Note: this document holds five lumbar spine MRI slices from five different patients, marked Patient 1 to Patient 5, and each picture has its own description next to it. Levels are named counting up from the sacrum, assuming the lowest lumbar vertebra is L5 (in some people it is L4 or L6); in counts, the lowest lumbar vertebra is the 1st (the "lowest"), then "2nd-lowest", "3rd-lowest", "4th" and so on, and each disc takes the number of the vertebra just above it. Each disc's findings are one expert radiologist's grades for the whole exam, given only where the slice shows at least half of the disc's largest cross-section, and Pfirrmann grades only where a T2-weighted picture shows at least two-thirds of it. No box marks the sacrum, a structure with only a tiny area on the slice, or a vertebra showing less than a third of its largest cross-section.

Patient 1 of 5:
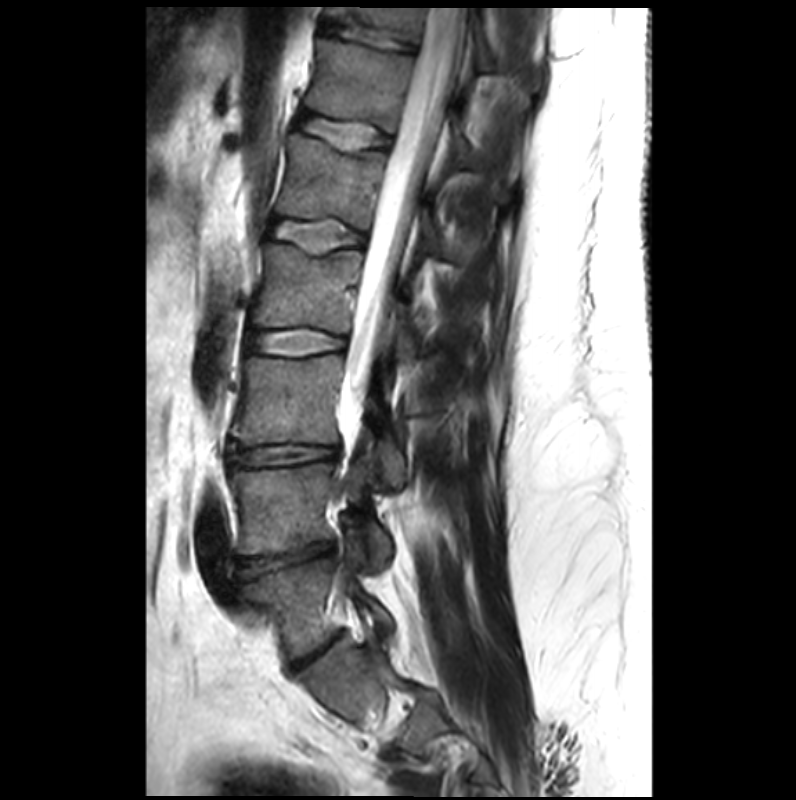

Image 796x800 | Field of view 283x285 mm, slice spacing 3.4 mm | Sagittal T2-weighted lumbar spine MRI
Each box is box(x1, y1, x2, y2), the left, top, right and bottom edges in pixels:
L1 (5th vertebra): box(277, 134, 456, 262) | L2 (4th vertebra): box(250, 242, 431, 352) | thecal sac / spinal canal: box(347, 8, 464, 393) | L3 (3rd-lowest vertebra): box(232, 355, 406, 488) | IVD L5/S1 (lowest disc): box(288, 630, 344, 671) | L4 (2nd-lowest vertebra): box(231, 461, 391, 568) | L3/L4 (3rd-lowest disc): box(231, 445, 337, 464) | T12 (6th vertebra): box(304, 38, 489, 171) | IVD T12/L1 (6th disc): box(295, 113, 389, 151) | L5 (lowest vertebra): box(241, 532, 395, 658) | L1/L2 (5th disc): box(270, 219, 364, 254) | L4/L5 (2nd-lowest disc): box(242, 542, 334, 577) | L2/L3 (4th disc): box(248, 328, 345, 356) | T11/T12 (7th disc): box(322, 21, 414, 51) | T11 (7th vertebra): box(329, 6, 493, 72)

Per-level radiological findings:
- L1/L2 (5th disc): Pfirrmann grade 2, lower-endplate change, upper-endplate change
- T11/T12 (7th disc): Pfirrmann grade 2, lower-endplate change
- T12/L1 (6th disc): Pfirrmann grade 2, upper-endplate change, lower-endplate change
- L4/L5 (2nd-lowest disc): Modic type III, lower-endplate change, spondylolisthesis, upper-endplate change, disc herniation, disc narrowing
- L3/L4 (3rd-lowest disc): Pfirrmann grade 2
- L2/L3 (4th disc): Pfirrmann grade 2

Patient 2 of 5:
512x640 px | Patient sex: M | Sagittal T2 SPACE (3D) lumbar spine MRI | Sagittal slice index 53 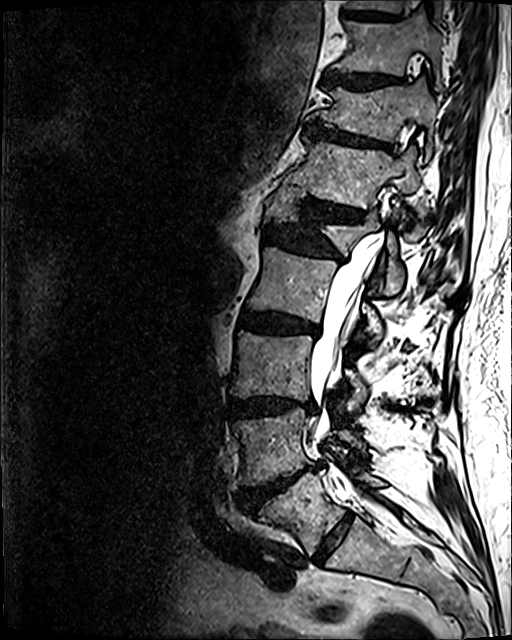

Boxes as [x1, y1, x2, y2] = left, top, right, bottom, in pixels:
IVD L2/L3 (4th disc) at [239, 311, 318, 334].
T12 (6th vertebra) at [287, 138, 427, 240].
L4 (2nd-lowest vertebra) at [233, 408, 365, 485].
T12/L1 (6th disc) at [297, 197, 367, 222].
L3/L4 (3rd-lowest disc) at [230, 397, 314, 418].
IVD L1/L2 (5th disc) at [264, 224, 343, 260].
L3 (3rd-lowest vertebra) at [230, 331, 370, 409].
T10 (8th vertebra) at [332, 14, 442, 88].
T11 (7th vertebra) at [306, 81, 436, 156].
L2 (4th vertebra) at [247, 247, 385, 339].
T10/T11 (8th disc) at [323, 72, 400, 88].
Spinal canal at [309, 229, 385, 502].
L5 (lowest vertebra) at [263, 473, 384, 555].
L1 (5th vertebra) at [264, 185, 405, 294].
IVD L4/L5 (2nd-lowest disc) at [241, 463, 322, 512].
IVD T11/T12 (7th disc) at [305, 123, 387, 148].
IVD T9/T10 (9th disc) at [342, 10, 395, 19].
L5/S1 (lowest disc) at [312, 512, 353, 563].

Radiological gradings:
  L3/L4 (3rd-lowest disc): Pfirrmann grade 4, lower-endplate change, upper-endplate change, disc bulging, disc narrowing
  T12/L1 (6th disc): Pfirrmann grade 4, disc bulging, disc narrowing, lower-endplate change, upper-endplate change
  T10/T11 (8th disc): Pfirrmann grade 4, disc bulging, lower-endplate change, upper-endplate change
  T11/T12 (7th disc): Pfirrmann grade 4, lower-endplate change, disc narrowing, upper-endplate change, disc bulging
  L2/L3 (4th disc): Pfirrmann grade 4, upper-endplate change, lower-endplate change, disc bulging, disc narrowing, Modic type II
  L1/L2 (5th disc): Pfirrmann grade 4, lower-endplate change, disc bulging, upper-endplate change, disc narrowing
  L5/S1 (lowest disc): Pfirrmann grade 2
  T9/T10 (9th disc): lower-endplate change
  L4/L5 (2nd-lowest disc): Pfirrmann grade 5, disc herniation, disc bulging, upper-endplate change, lower-endplate change, disc narrowing, Modic type II

Patient 3 of 5:
Sagittal slice index 37 | Image 512x640 | Sagittal T2 SPACE (3D) lumbar spine MRI | Field of view 240x300 mm

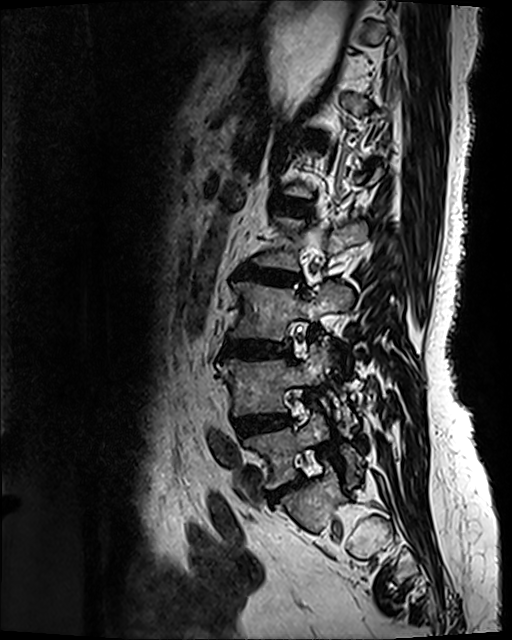 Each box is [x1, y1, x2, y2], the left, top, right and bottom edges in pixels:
• 4th disc = [239, 266, 300, 284]
• 4th vertebra = [255, 217, 366, 271]
• 5th disc = [273, 196, 310, 214]
• 2nd-lowest vertebra = [217, 337, 343, 430]
• 2nd-lowest disc = [236, 416, 289, 437]
• 3rd-lowest vertebra = [231, 281, 352, 338]
• 3rd-lowest disc = [224, 341, 290, 357]
• lowest vertebra = [244, 413, 358, 488]
• lowest disc = [269, 477, 303, 500]

Degenerative findings by level:
- 3rd-lowest disc: Pfirrmann grade 4, disc narrowing, Modic type II, disc bulging, upper-endplate change, lower-endplate change
- 4th disc: Pfirrmann grade 4, lower-endplate change, Modic type II, disc bulging, disc narrowing, upper-endplate change
- 2nd-lowest disc: disc bulging

Patient 4 of 5:
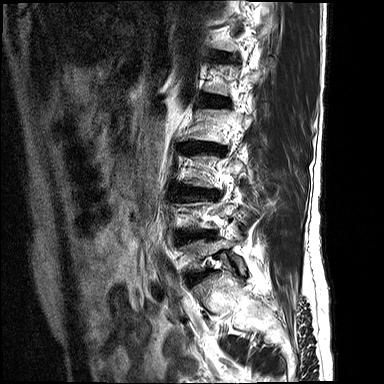 Lumbar spine MR, T2-weighted, sagittal; Slice 3/17; Sex M
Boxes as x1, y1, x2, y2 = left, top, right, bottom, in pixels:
Disc L2/L3 at 179, 142, 222, 151.
T12/L1 at 216, 52, 226, 58.
L4/L5 at 180, 233, 211, 240.
L1/L2 at 204, 95, 228, 106.
Disc L3/L4 at 182, 187, 212, 194.
L5 at 181, 230, 242, 265.

Per-level radiological findings:
- L2/L3: Pfirrmann grade 3, disc narrowing, lower-endplate change, disc bulging, upper-endplate change

Patient 5 of 5:
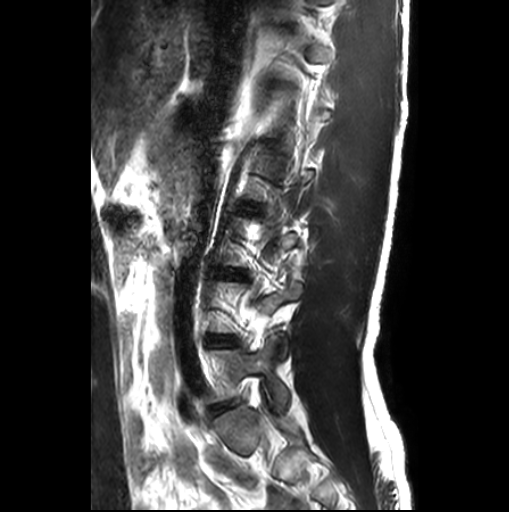

Lumbar spine MR, T2-weighted, sagittal | Slice 7/26

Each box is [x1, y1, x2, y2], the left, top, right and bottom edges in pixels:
{"intervertebral disc L5/S1": "[209, 398, 239, 414]", "L5": "[207, 335, 288, 408]"}